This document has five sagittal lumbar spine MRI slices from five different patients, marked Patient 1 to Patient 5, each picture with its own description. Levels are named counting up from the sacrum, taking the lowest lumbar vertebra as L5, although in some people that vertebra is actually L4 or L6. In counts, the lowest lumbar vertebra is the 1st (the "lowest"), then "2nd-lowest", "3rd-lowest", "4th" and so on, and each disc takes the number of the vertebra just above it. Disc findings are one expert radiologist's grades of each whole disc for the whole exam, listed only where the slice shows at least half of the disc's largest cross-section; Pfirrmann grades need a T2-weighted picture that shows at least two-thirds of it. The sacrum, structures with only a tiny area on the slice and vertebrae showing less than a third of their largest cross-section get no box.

Patient 1 of 5:
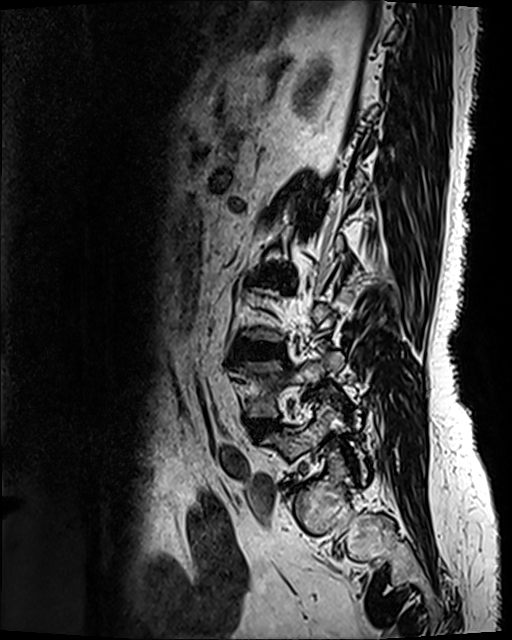 Image 512x640. Slice 32 of 120. T2 SPACE (3D) sagittal MRI of the lumbar spine.
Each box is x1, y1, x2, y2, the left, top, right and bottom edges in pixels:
Annotations:
• L4 vertebra — 236, 352, 343, 415
• L3/L4 — 233, 341, 283, 357
• L2/L3 — 260, 272, 288, 285
• L5 — 263, 403, 368, 480
• IVD L4/L5 — 252, 421, 274, 434

Expert MSK radiologist gradings (per disc):
• L3/L4: disc bulging, lower-endplate change, Modic type II, upper-endplate change, disc narrowing

Patient 2 of 5:
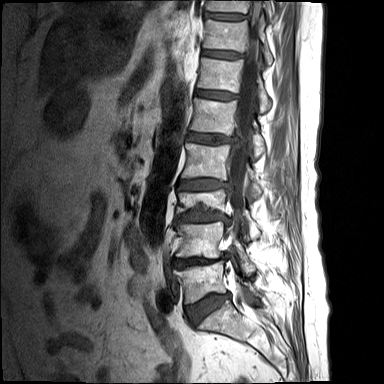
384x384 px; Lumbar spine MR, T1-weighted, sagittal; Patient sex: F

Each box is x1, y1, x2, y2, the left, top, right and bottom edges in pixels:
thecal sac / spinal canal: 230, 1, 261, 215
L5 vertebra: 174, 261, 257, 303
T10 vertebra: 206, 0, 273, 20
L1/L2: 187, 132, 234, 144
L2: 181, 143, 261, 196
L3: 176, 189, 260, 238
L5/S1: 186, 293, 229, 325
T12: 197, 57, 270, 112
intervertebral disc L3/L4: 174, 206, 230, 225
intervertebral disc L2/L3: 177, 178, 230, 190
intervertebral disc L4/L5: 173, 254, 229, 268
T12/L1: 195, 89, 237, 99
L4 vertebra: 176, 221, 255, 275
intervertebral disc T10/T11: 205, 12, 244, 20
T11: 204, 16, 272, 64
L1 vertebra: 191, 98, 265, 157
intervertebral disc T11/T12: 202, 49, 242, 58

Degenerative findings by level:
  L3/L4: lower-endplate change, disc narrowing, disc bulging, upper-endplate change
  L2/L3: disc narrowing, disc bulging, upper-endplate change, lower-endplate change
  L1/L2: upper-endplate change, disc bulging, lower-endplate change
  L5/S1: lower-endplate change, upper-endplate change, disc bulging
  L4/L5: disc narrowing, upper-endplate change, lower-endplate change, disc bulging
  T10/T11, T12/L1, T11/T12: no herniation, bulging, narrowing, spondylolisthesis, endplate or Modic change recorded

Patient 3 of 5:
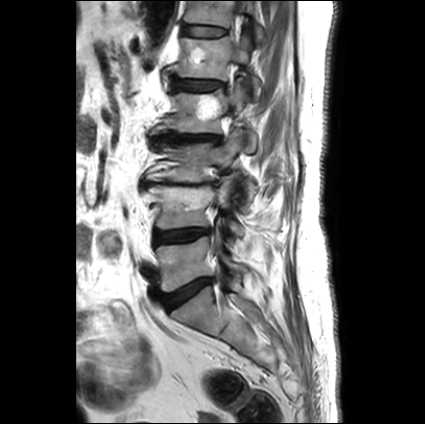

Sagittal T2-weighted lumbar spine MRI
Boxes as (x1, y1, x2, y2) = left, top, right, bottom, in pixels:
5th disc: (172, 74, 223, 91)
6th vertebra: (184, 1, 263, 39)
2nd-lowest vertebra: (147, 175, 244, 236)
lowest disc: (163, 278, 211, 310)
lowest vertebra: (155, 231, 246, 291)
4th disc: (152, 132, 221, 142)
2nd-lowest disc: (153, 228, 209, 245)
5th vertebra: (176, 36, 261, 100)
6th disc: (182, 25, 226, 36)
3rd-lowest disc: (144, 181, 215, 187)
4th vertebra: (149, 82, 256, 152)
3rd-lowest vertebra: (146, 128, 255, 211)

Expert MSK radiologist gradings (per disc):
- 4th disc: Pfirrmann grade 1, upper-endplate change, lower-endplate change, disc bulging, disc narrowing
- lowest disc: Pfirrmann grade 1, disc bulging
- 5th disc: Pfirrmann grade 4, disc bulging, lower-endplate change, upper-endplate change
- 6th disc: Pfirrmann grade 2
- 2nd-lowest disc: Pfirrmann grade 2, disc bulging

Patient 4 of 5:
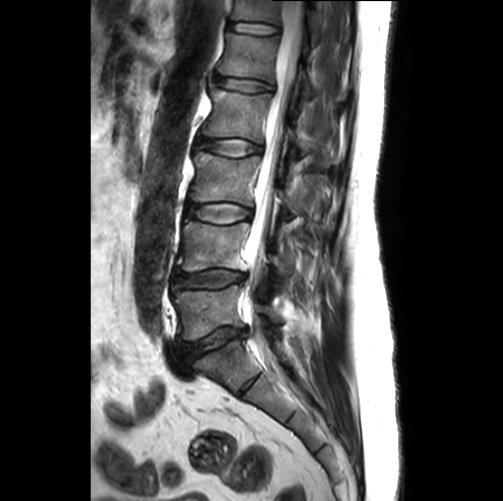 Lumbar spine MR, T2-weighted, sagittal; Slice 15 of 26
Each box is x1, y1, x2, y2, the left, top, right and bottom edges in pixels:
Segmented structures:
* thecal sac / spinal canal — 248, 0, 305, 363
* L4 — 177, 222, 291, 276
* L3 — 190, 152, 302, 214
* T12/L1 — 228, 22, 278, 34
* T12 — 232, 0, 322, 42
* L1/L2 — 214, 76, 272, 91
* L4/L5 — 170, 270, 245, 292
* L1 — 218, 33, 345, 100
* L3/L4 — 186, 203, 251, 223
* L2 vertebra — 202, 86, 329, 164
* IVD L2/L3 — 196, 138, 261, 156
* L5/S1 — 175, 327, 246, 363
* L5 vertebra — 174, 285, 281, 339

Radiological gradings:
• L3/L4: Pfirrmann grade 2
• T12/L1: Pfirrmann grade 1
• L4/L5: Pfirrmann grade 3, disc bulging, Modic type II, lower-endplate change, upper-endplate change, disc narrowing
• L5/S1: Pfirrmann grade 3, disc bulging, disc narrowing
• L1/L2: Pfirrmann grade 2
• L2/L3: Pfirrmann grade 2

Patient 5 of 5:
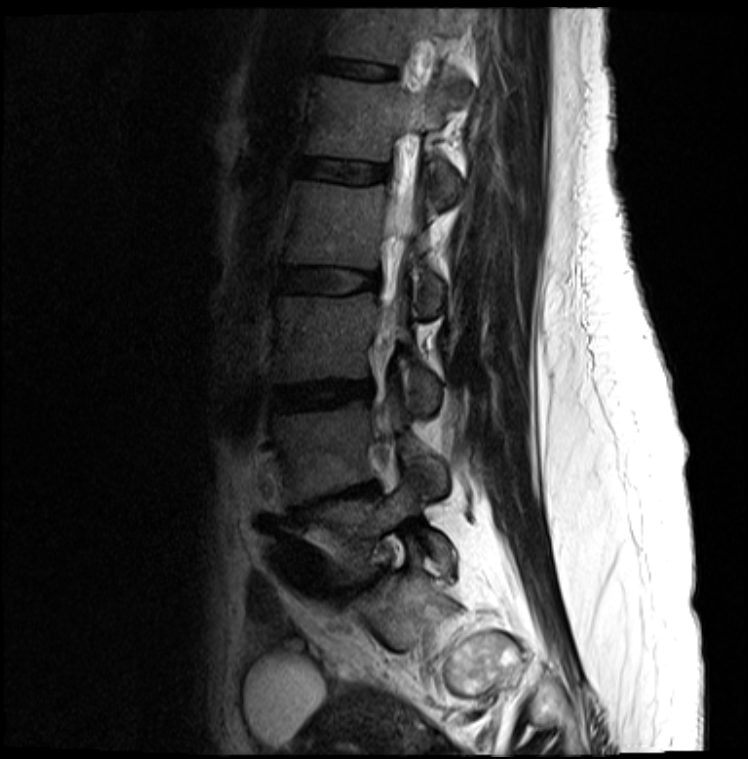 T2-weighted sagittal MRI of the lumbar spine; 748x759 px
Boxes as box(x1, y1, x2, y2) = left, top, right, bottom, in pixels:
L3: box(275, 292, 439, 411)
L3/L4: box(273, 381, 371, 409)
L1 vertebra: box(306, 75, 461, 195)
L4 vertebra: box(273, 401, 445, 502)
thecal sac / spinal canal: box(378, 140, 414, 342)
L2 vertebra: box(285, 180, 443, 311)
L5: box(314, 485, 455, 580)
T12: box(331, 7, 461, 62)
L1/L2: box(298, 158, 387, 183)
intervertebral disc L2/L3: box(281, 267, 377, 292)
intervertebral disc L4/L5: box(318, 483, 375, 502)
intervertebral disc T12/L1: box(327, 59, 395, 77)

Expert MSK radiologist gradings (per disc):
• L4/L5: disc narrowing, upper-endplate change, lower-endplate change, disc bulging
• L1/L2: Pfirrmann grade 3
• L2/L3: Pfirrmann grade 3, disc bulging
• L3/L4: Pfirrmann grade 4, disc bulging
• T12/L1: Pfirrmann grade 3